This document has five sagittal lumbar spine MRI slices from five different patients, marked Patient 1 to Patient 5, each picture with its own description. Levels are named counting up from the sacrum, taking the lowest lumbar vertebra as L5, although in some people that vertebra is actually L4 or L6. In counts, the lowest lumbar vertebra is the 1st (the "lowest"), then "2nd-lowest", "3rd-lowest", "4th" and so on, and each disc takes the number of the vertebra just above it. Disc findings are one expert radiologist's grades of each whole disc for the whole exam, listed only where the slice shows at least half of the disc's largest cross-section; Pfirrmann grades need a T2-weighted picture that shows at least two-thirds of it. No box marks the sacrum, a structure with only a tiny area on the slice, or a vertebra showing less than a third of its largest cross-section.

Patient 1 of 5:
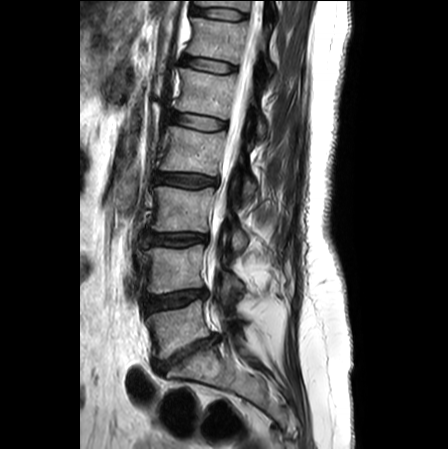 T2-weighted sagittal MRI of the lumbar spine

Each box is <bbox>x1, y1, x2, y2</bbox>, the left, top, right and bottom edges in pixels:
3rd-lowest disc at <bbox>144, 233, 206, 245</bbox>, lowest vertebra at <bbox>147, 299, 243, 359</bbox>, lowest disc at <bbox>153, 334, 218, 372</bbox>, 4th disc at <bbox>155, 173, 216, 186</bbox>, 7th vertebra at <bbox>197, 1, 249, 10</bbox>, 3rd-lowest vertebra at <bbox>152, 186, 248, 250</bbox>, spinal canal at <bbox>208, 0, 263, 320</bbox>, 2nd-lowest disc at <bbox>145, 290, 206, 311</bbox>, 6th disc at <bbox>183, 55, 235, 72</bbox>, 5th vertebra at <bbox>176, 69, 265, 137</bbox>, 2nd-lowest vertebra at <bbox>143, 245, 243, 293</bbox>, 6th vertebra at <bbox>188, 17, 275, 73</bbox>, 5th disc at <bbox>171, 113, 225, 130</bbox>, 4th vertebra at <bbox>161, 126, 256, 199</bbox>, 7th disc at <bbox>192, 7, 245, 19</bbox>.

Radiological gradings:
• 3rd-lowest disc: Pfirrmann grade 3, disc bulging
• 2nd-lowest disc: Pfirrmann grade 4, disc bulging, disc narrowing
• 5th disc: Pfirrmann grade 1
• 4th disc: Pfirrmann grade 2, disc bulging
• 6th disc: Pfirrmann grade 1
• lowest disc: Pfirrmann grade 5, lower-endplate change, disc narrowing, Modic type II, upper-endplate change, disc herniation
• 7th disc: Pfirrmann grade 1

Patient 2 of 5:
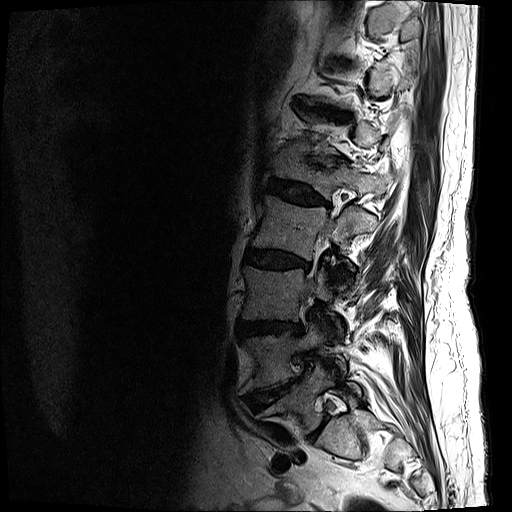 Field of view 300x300 mm, slice spacing 3.3 mm. Slice 5/19. 512x512 px. MRI lumbar spine (T2-weighted), sagittal plane.

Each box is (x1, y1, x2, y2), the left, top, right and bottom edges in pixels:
Segmented structures:
• IVD L1/L2: (267, 178, 329, 206)
• L4 vertebra: (244, 321, 346, 391)
• IVD L5/S1: (309, 417, 328, 437)
• T11/T12: (300, 100, 348, 115)
• IVD L4/L5: (246, 376, 301, 410)
• L5 vertebra: (277, 363, 361, 432)
• L1: (273, 155, 384, 198)
• L3: (242, 266, 342, 331)
• L2: (251, 194, 378, 280)
• L3/L4: (241, 320, 303, 336)
• L2/L3: (243, 248, 311, 270)

Radiological gradings:
• L3/L4: Pfirrmann grade 4, disc narrowing, upper-endplate change, disc bulging, lower-endplate change
• L2/L3: Pfirrmann grade 4, lower-endplate change, disc narrowing, disc bulging, Modic type II, upper-endplate change
• L4/L5: Pfirrmann grade 5, lower-endplate change, Modic type II, upper-endplate change, disc bulging, disc herniation, disc narrowing
• L1/L2: Pfirrmann grade 4, lower-endplate change, disc bulging, upper-endplate change, disc narrowing

Patient 3 of 5:
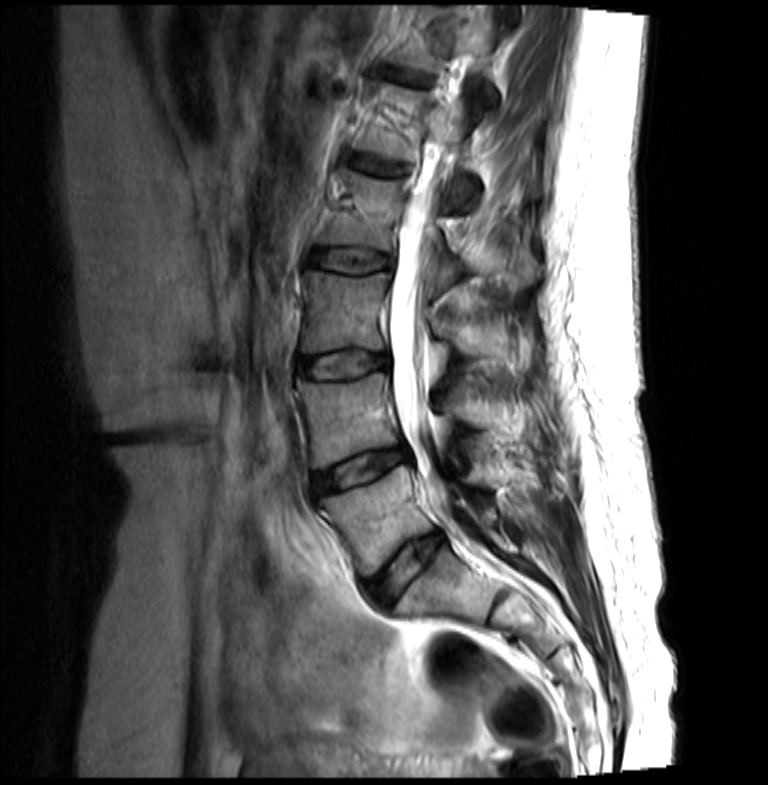 T2-weighted sagittal MRI of the lumbar spine, Sex F, Field of view 280x286 mm
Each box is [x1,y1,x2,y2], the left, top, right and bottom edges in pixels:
T12/L1 (6th disc) at [384,68,431,85], L4/L5 (2nd-lowest disc) at [313,447,411,494], T12 (6th vertebra) at [389,8,498,108], L2 (4th vertebra) at [318,169,539,289], L4 (2nd-lowest vertebra) at [298,374,464,466], L2/L3 (4th disc) at [311,250,391,272], L1 (5th vertebra) at [354,83,478,206], L3 (3rd-lowest vertebra) at [301,270,511,375], L5 (lowest vertebra) at [320,467,503,575], spinal canal at [390,48,483,517], L1/L2 (5th disc) at [350,154,404,176], IVD L3/L4 (3rd-lowest disc) at [298,351,389,378], IVD L5/S1 (lowest disc) at [366,533,444,605].

Degenerative findings by level:
• L2/L3 (4th disc): Pfirrmann grade 2
• L4/L5 (2nd-lowest disc): Pfirrmann grade 3, disc herniation
• L5/S1 (lowest disc): Pfirrmann grade 3, disc bulging
• L3/L4 (3rd-lowest disc): Pfirrmann grade 2, disc bulging
• L1/L2 (5th disc): no herniation, bulging, narrowing, spondylolisthesis, endplate or Modic change recorded

Patient 4 of 5:
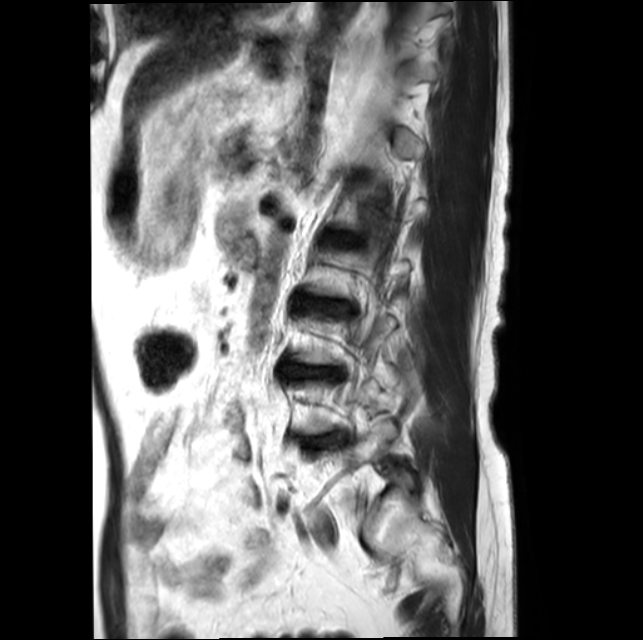

643x640 px. Patient sex: F. MRI lumbar spine (T2-weighted), sagittal plane.

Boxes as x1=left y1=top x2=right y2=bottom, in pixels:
IVD L4/L5 (2nd-lowest disc): x1=304 y1=434 x2=344 y2=447
L1/L2 (5th disc): x1=342 y1=237 x2=357 y2=244
IVD L3/L4 (3rd-lowest disc): x1=281 y1=365 x2=339 y2=376
IVD L2/L3 (4th disc): x1=325 y1=303 x2=344 y2=309

Expert MSK radiologist gradings (per disc):
• L3/L4 (3rd-lowest disc): Pfirrmann grade 3, lower-endplate change, disc bulging, Modic type II, disc narrowing, upper-endplate change

Patient 5 of 5:
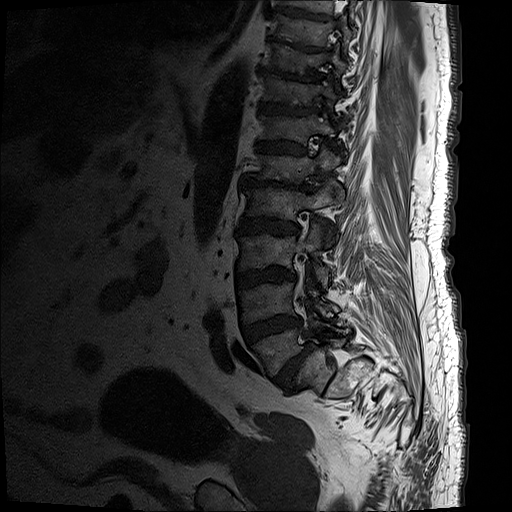

512x512 px, Sagittal T1-weighted lumbar spine MRI
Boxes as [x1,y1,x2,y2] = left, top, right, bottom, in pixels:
9th disc at [270,37,325,53], 4th vertebra at [242,178,335,247], 8th vertebra at [261,40,344,90], 5th disc at [240,174,312,192], 2nd-lowest disc at [239,315,302,343], 2nd-lowest vertebra at [235,264,339,322], 4th disc at [235,217,298,235], 3rd-lowest disc at [235,266,294,287], 6th vertebra at [255,108,341,156], 6th disc at [253,139,306,155], 7th vertebra at [259,73,334,107], 7th disc at [255,102,314,115], lowest disc at [273,342,312,389], 8th disc at [256,66,317,81], 5th vertebra at [247,143,340,183], lowest vertebra at [247,314,351,376], 3rd-lowest vertebra at [237,223,328,286].

Expert MSK radiologist gradings (per disc):
• 9th disc: upper-endplate change, Modic type II, lower-endplate change, disc bulging, disc narrowing
• 7th disc: upper-endplate change, Modic type II, disc bulging, lower-endplate change, disc narrowing
• 5th disc: upper-endplate change, disc narrowing, lower-endplate change, Modic type II, disc bulging
• 2nd-lowest disc: Modic type II, upper-endplate change, lower-endplate change, disc narrowing, disc bulging
• 6th disc: upper-endplate change, Modic type II, disc bulging, lower-endplate change, disc narrowing
• 4th disc: Modic type II, upper-endplate change, lower-endplate change, disc narrowing, disc bulging
• lowest disc: disc bulging, lower-endplate change, spondylolisthesis, Modic type II, disc narrowing, upper-endplate change
• 3rd-lowest disc: disc bulging, Modic type II, disc narrowing, lower-endplate change, upper-endplate change